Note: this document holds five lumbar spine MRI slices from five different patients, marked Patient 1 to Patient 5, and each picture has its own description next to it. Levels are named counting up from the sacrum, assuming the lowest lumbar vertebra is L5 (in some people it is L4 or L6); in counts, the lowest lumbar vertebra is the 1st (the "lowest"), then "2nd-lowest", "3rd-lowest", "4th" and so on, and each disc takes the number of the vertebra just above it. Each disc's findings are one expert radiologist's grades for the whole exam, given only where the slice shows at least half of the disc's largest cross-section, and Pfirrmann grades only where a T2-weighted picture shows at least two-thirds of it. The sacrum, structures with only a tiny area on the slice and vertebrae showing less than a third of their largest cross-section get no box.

Patient 1 of 5:
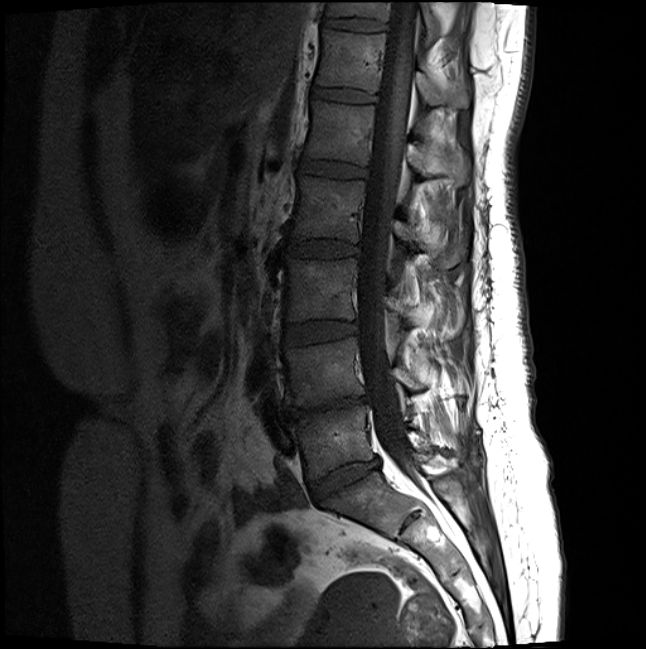 Slice spacing 3.3 mm | Lumbar spine MR, T1-weighted, sagittal
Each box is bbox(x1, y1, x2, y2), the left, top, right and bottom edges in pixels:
L5/S1 = bbox(310, 458, 380, 503).
L5 vertebra = bbox(290, 406, 462, 479).
T12 vertebra = bbox(315, 28, 468, 107).
IVD T12/L1 = bbox(311, 87, 377, 101).
T11 = bbox(327, 1, 439, 42).
IVD L3/L4 = bbox(284, 321, 357, 344).
L1 = bbox(304, 100, 471, 184).
L2 = bbox(290, 175, 467, 268).
IVD L2/L3 = bbox(286, 238, 360, 256).
IVD L1/L2 = bbox(299, 158, 367, 176).
Thecal sac / spinal canal = bbox(357, 0, 418, 472).
L4 vertebra = bbox(284, 336, 425, 405).
L4/L5 = bbox(285, 396, 369, 417).
L3 vertebra = bbox(285, 257, 457, 338).
T11/T12 = bbox(323, 17, 386, 30).

Expert MSK radiologist gradings (per disc):
  L5/S1: disc bulging, disc narrowing
  L4/L5: upper-endplate change, disc bulging, Modic type II, lower-endplate change, disc narrowing
  T12/L1, T11/T12, L2/L3, L1/L2, L3/L4: no spondylolisthesis, narrowing, bulging, herniation, Modic or endplate change recorded

Patient 2 of 5:
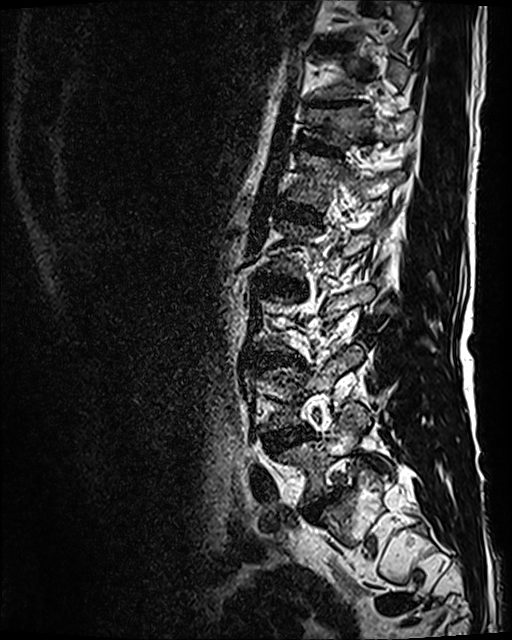 Slice 84 of 120, Lumbar spine MR, T2 SPACE (3D), sagittal, Sex M

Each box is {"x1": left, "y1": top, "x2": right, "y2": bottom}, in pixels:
T12/L1 = {"x1": 302, "y1": 141, "x2": 340, "y2": 154}.
T12 = {"x1": 306, "y1": 107, "x2": 414, "y2": 147}.
L4 = {"x1": 264, "y1": 346, "x2": 362, "y2": 429}.
L5 vertebra = {"x1": 282, "y1": 411, "x2": 388, "y2": 503}.
L1/L2 = {"x1": 278, "y1": 204, "x2": 320, "y2": 222}.
L5/S1 = {"x1": 304, "y1": 493, "x2": 337, "y2": 520}.
Disc L3/L4 = {"x1": 254, "y1": 351, "x2": 298, "y2": 364}.
L4/L5 = {"x1": 266, "y1": 427, "x2": 311, "y2": 451}.
L1 vertebra = {"x1": 288, "y1": 152, "x2": 404, "y2": 209}.
Disc T11/T12 = {"x1": 319, "y1": 101, "x2": 347, "y2": 106}.
Disc L2/L3 = {"x1": 258, "y1": 275, "x2": 304, "y2": 291}.

Per-level radiological findings:
  L4/L5: Modic type II, disc bulging

Patient 3 of 5:
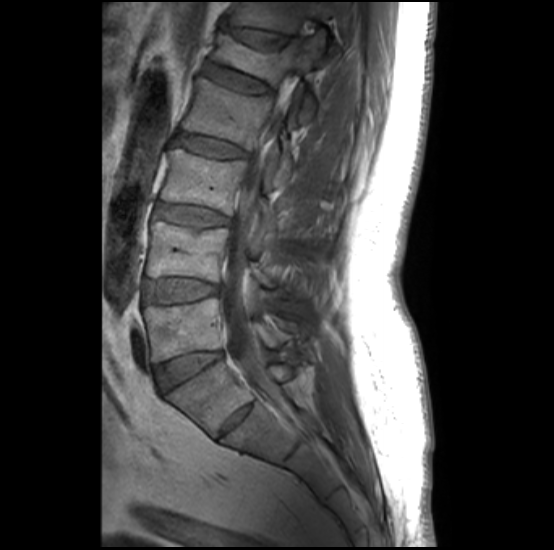
Sagittal T1-weighted lumbar spine MRI. Patient sex: M.

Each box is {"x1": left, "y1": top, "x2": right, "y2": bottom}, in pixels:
2nd-lowest vertebra at {"x1": 146, "y1": 221, "x2": 292, "y2": 296}.
3rd-lowest disc at {"x1": 156, "y1": 204, "x2": 229, "y2": 226}.
6th vertebra at {"x1": 228, "y1": 2, "x2": 341, "y2": 34}.
5th vertebra at {"x1": 214, "y1": 33, "x2": 325, "y2": 122}.
Spinal canal at {"x1": 220, "y1": 64, "x2": 300, "y2": 401}.
4th disc at {"x1": 173, "y1": 133, "x2": 245, "y2": 158}.
6th disc at {"x1": 225, "y1": 24, "x2": 292, "y2": 43}.
2nd-lowest disc at {"x1": 144, "y1": 279, "x2": 216, "y2": 302}.
5th disc at {"x1": 206, "y1": 63, "x2": 270, "y2": 92}.
3rd-lowest vertebra at {"x1": 160, "y1": 149, "x2": 278, "y2": 241}.
Lowest vertebra at {"x1": 144, "y1": 298, "x2": 278, "y2": 362}.
4th vertebra at {"x1": 181, "y1": 77, "x2": 297, "y2": 186}.
Lowest disc at {"x1": 156, "y1": 351, "x2": 221, "y2": 390}.

Degenerative findings by level:
  2nd-lowest disc: Modic type II, upper-endplate change, lower-endplate change
  5th disc: lower-endplate change, Modic type II, upper-endplate change
  3rd-lowest disc: Modic type II, upper-endplate change, lower-endplate change
  4th disc: lower-endplate change, Modic type II, upper-endplate change
  6th disc: upper-endplate change, spondylolisthesis
  lowest disc: no Modic or endplate change, herniation, narrowing, bulging or spondylolisthesis recorded

Patient 4 of 5:
Lumbar spine MR, T2 SPACE (3D), sagittal
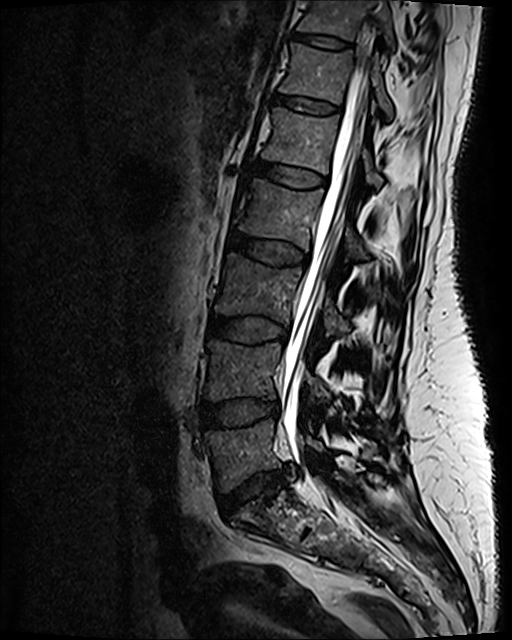

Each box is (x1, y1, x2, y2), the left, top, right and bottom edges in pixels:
Disc L1/L2 at (251, 160, 327, 187), L3/L4 at (208, 315, 287, 343), thecal sac / spinal canal at (282, 60, 369, 500), L5/S1 at (222, 473, 286, 516), L1 vertebra at (262, 108, 381, 187), L4 at (204, 340, 367, 409), disc L4/L5 at (202, 400, 280, 426), L5 vertebra at (204, 420, 377, 491), T11 vertebra at (295, 0, 397, 52), disc T11/T12 at (291, 32, 353, 49), T12 vertebra at (279, 44, 393, 118), L3 vertebra at (215, 254, 348, 333), L2 vertebra at (233, 179, 365, 257), T12/L1 at (274, 94, 339, 113), disc L2/L3 at (228, 232, 309, 264).

Radiological gradings:
• T12/L1: Pfirrmann grade 2
• L4/L5: Pfirrmann grade 3, disc bulging
• L5/S1: Pfirrmann grade 3, lower-endplate change, disc narrowing, upper-endplate change, disc herniation
• L2/L3: Pfirrmann grade 3, disc bulging
• L3/L4: Pfirrmann grade 3
• T11/T12: Pfirrmann grade 2
• L1/L2: Pfirrmann grade 2

Patient 5 of 5:
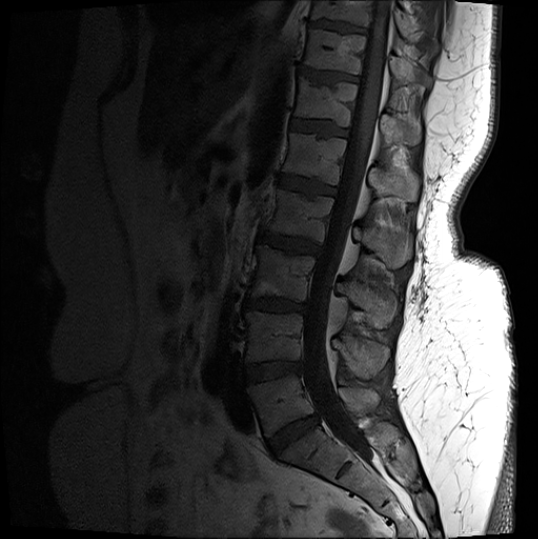 Sagittal T1-weighted lumbar spine MRI

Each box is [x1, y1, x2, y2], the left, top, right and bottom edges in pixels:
Segmented structures:
* intervertebral disc T11/T12 = [299, 68, 358, 84]
* L3 vertebra = [250, 245, 397, 328]
* T10/T11 = [309, 20, 366, 33]
* L4/L5 = [244, 361, 301, 381]
* L5 vertebra = [246, 374, 381, 436]
* L1/L2 = [279, 175, 336, 195]
* L2 = [265, 189, 412, 268]
* T10 = [311, 1, 438, 50]
* T12/L1 = [291, 119, 347, 137]
* T11 = [304, 29, 431, 89]
* T12 vertebra = [294, 77, 421, 145]
* L2/L3 = [259, 231, 321, 254]
* L1 = [283, 133, 419, 201]
* L3/L4 = [245, 299, 307, 311]
* thecal sac / spinal canal = [303, 1, 392, 462]
* L4 = [245, 311, 388, 381]
* intervertebral disc L5/S1 = [268, 415, 318, 452]

Degenerative findings by level:
  L5/S1: disc narrowing, disc bulging
  T12/L1: upper-endplate change, lower-endplate change
  T11/T12: upper-endplate change
  L2/L3: lower-endplate change, upper-endplate change, disc bulging
  T10/T11: lower-endplate change, upper-endplate change
  L4/L5: disc bulging, Modic type II, lower-endplate change
  L1/L2: lower-endplate change, upper-endplate change, Modic type II
  L3/L4: lower-endplate change, disc narrowing, Modic type II, disc bulging, upper-endplate change